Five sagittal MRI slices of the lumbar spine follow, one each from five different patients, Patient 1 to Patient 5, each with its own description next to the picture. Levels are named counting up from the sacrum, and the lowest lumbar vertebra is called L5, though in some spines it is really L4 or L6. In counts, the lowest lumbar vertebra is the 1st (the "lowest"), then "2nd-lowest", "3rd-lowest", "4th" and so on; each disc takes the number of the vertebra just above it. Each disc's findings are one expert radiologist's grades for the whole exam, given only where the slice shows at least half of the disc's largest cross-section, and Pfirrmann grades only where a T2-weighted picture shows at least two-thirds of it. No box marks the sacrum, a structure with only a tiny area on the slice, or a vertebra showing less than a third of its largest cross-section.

Patient 1 of 5:
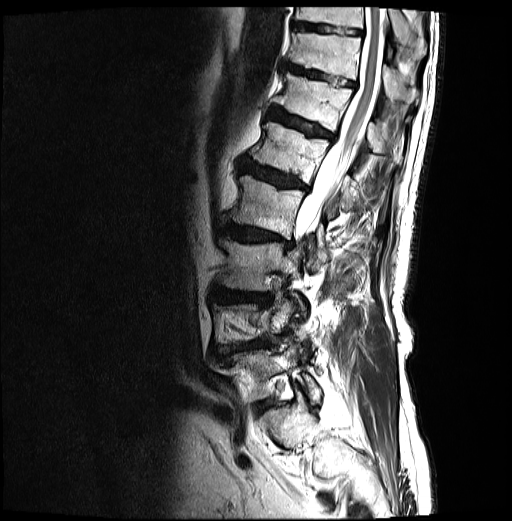

MRI lumbar spine (T2-weighted), sagittal plane
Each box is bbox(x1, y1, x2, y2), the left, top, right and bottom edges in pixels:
T10 at bbox(295, 7, 425, 57); T12 at bbox(274, 72, 400, 161); intervertebral disc T12/L1 at bbox(268, 106, 334, 140); L2 at bbox(228, 176, 329, 269); intervertebral disc L2/L3 at bbox(222, 223, 292, 249); T10/T11 at bbox(292, 21, 361, 34); intervertebral disc T11/T12 at bbox(282, 61, 355, 87); T11 at bbox(287, 31, 417, 103); L4/L5 at bbox(237, 342, 261, 350); L1 vertebra at bbox(250, 122, 352, 209); L3 at bbox(218, 238, 304, 310); L1/L2 at bbox(241, 159, 307, 189); thecal sac / spinal canal at bbox(295, 7, 388, 240); L3/L4 at bbox(221, 290, 270, 301); L5 at bbox(235, 342, 321, 404).

Degenerative findings by level:
- T11/T12: Pfirrmann grade 4, upper-endplate change, lower-endplate change, disc bulging
- T12/L1: Pfirrmann grade 4, lower-endplate change, Modic type II, disc bulging, upper-endplate change
- L2/L3: Pfirrmann grade 4, disc narrowing, lower-endplate change, Modic type I, disc bulging, upper-endplate change
- T10/T11: Pfirrmann grade 3
- L1/L2: Pfirrmann grade 4, Modic type II, lower-endplate change, disc bulging, upper-endplate change

Patient 2 of 5:
Field of view 280x280 mm | Image 384x384 | MRI lumbar spine (T2-weighted), sagittal plane 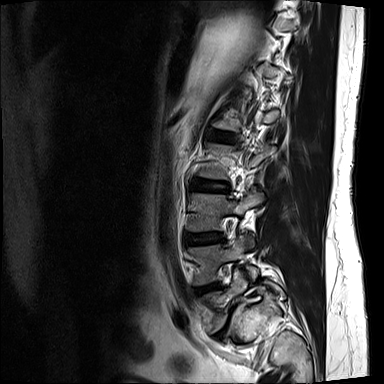 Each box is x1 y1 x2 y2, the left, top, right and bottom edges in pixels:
Annotations:
* L5/S1 — 216 306 235 337
* L4 vertebra — 189 235 258 284
* L3 vertebra — 188 189 264 231
* disc L1/L2 — 210 130 233 141
* disc L2/L3 — 192 178 228 192
* L4/L5 — 196 284 219 294
* L3/L4 — 185 233 222 244
* L5 vertebra — 204 268 281 331

Radiological gradings:
• L3/L4: disc bulging
• L2/L3: disc bulging

Patient 3 of 5:
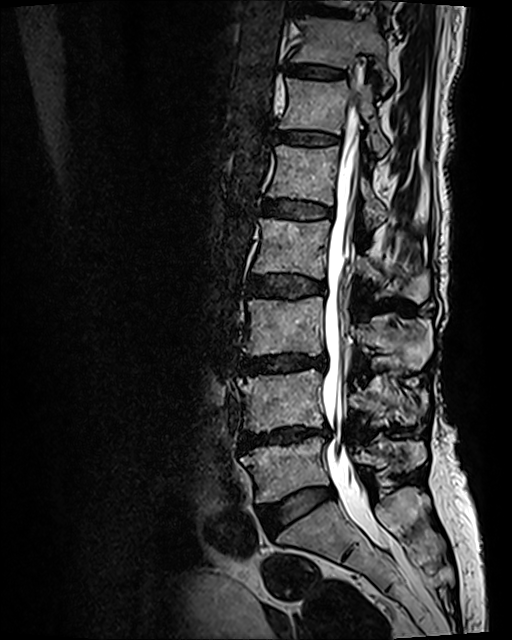
Slice 56/120; Lumbar spine MR, T2 SPACE (3D), sagittal
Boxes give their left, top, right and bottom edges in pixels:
L3 vertebra: left=242, top=296, right=431, bottom=370
spinal canal: left=322, top=110, right=388, bottom=550
L4/L5: left=241, top=426, right=329, bottom=449
intervertebral disc L1/L2: left=262, top=200, right=332, bottom=220
T11/T12: left=288, top=65, right=344, bottom=78
L3/L4: left=238, top=354, right=326, bottom=372
L5: left=241, top=437, right=425, bottom=502
T10/T11: left=302, top=4, right=348, bottom=16
intervertebral disc L5/S1: left=259, top=488, right=334, bottom=531
T11 vertebra: left=292, top=13, right=392, bottom=92
L2/L3: left=251, top=275, right=326, bottom=298
intervertebral disc T12/L1: left=276, top=131, right=338, bottom=145
L4: left=237, top=369, right=426, bottom=431
T12: left=279, top=78, right=388, bottom=157
L1: left=267, top=144, right=387, bottom=229
L2: left=253, top=218, right=429, bottom=303

Expert MSK radiologist gradings (per disc):
- L2/L3: Pfirrmann grade 3, Modic type II, upper-endplate change, disc bulging, lower-endplate change
- L5/S1: Pfirrmann grade 2, disc bulging
- T10/T11: lower-endplate change, upper-endplate change
- L4/L5: Pfirrmann grade 4, disc bulging, Modic type II, disc narrowing, lower-endplate change, upper-endplate change
- T11/T12: Pfirrmann grade 2, lower-endplate change, upper-endplate change, Modic type II
- T12/L1: Pfirrmann grade 2, Modic type II, lower-endplate change, upper-endplate change
- L3/L4: Pfirrmann grade 4, disc bulging, Modic type II, disc narrowing, lower-endplate change, upper-endplate change
- L1/L2: Pfirrmann grade 3, upper-endplate change, lower-endplate change, Modic type II

Patient 4 of 5:
Sex M. Slice 19/27. T2-weighted sagittal MRI of the lumbar spine.
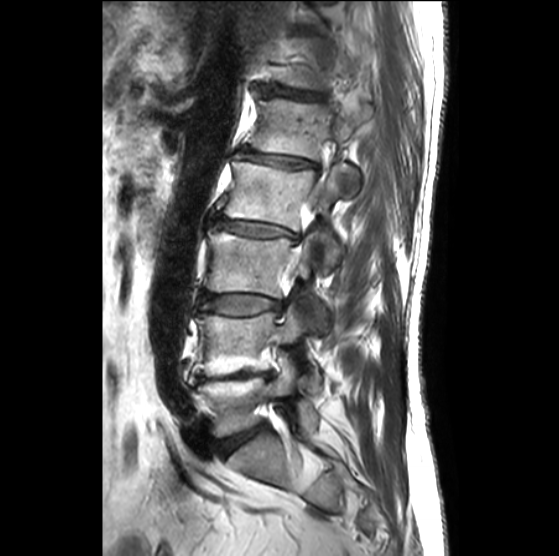

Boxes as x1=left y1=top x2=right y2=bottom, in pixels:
Annotations:
- L3/L4: x1=201 y1=293 x2=282 y2=315
- disc L1/L2: x1=238 y1=150 x2=316 y2=169
- disc L2/L3: x1=215 y1=216 x2=296 y2=238
- L5: x1=198 y1=358 x2=317 y2=437
- L4/L5: x1=197 y1=370 x2=273 y2=381
- disc L5/S1: x1=220 y1=426 x2=264 y2=454
- L4: x1=193 y1=306 x2=320 y2=390
- T12 vertebra: x1=281 y1=37 x2=360 y2=90
- L1: x1=248 y1=98 x2=372 y2=180
- L3 vertebra: x1=204 y1=227 x2=325 y2=323
- T12/L1: x1=270 y1=88 x2=322 y2=100
- L2 vertebra: x1=217 y1=160 x2=353 y2=264

Expert MSK radiologist gradings (per disc):
• L3/L4: Pfirrmann grade 2, disc bulging
• L1/L2: Pfirrmann grade 3, upper-endplate change, disc narrowing, disc bulging, Modic type III, lower-endplate change
• L4/L5: Pfirrmann grade 5, upper-endplate change, Modic type II, disc narrowing, lower-endplate change
• L2/L3: Pfirrmann grade 3, lower-endplate change, upper-endplate change, disc bulging, disc narrowing, Modic type II

Patient 5 of 5:
Image 448x455, Philips Healthcare Ingenia (3T), Lumbar spine MR, T2-weighted, sagittal

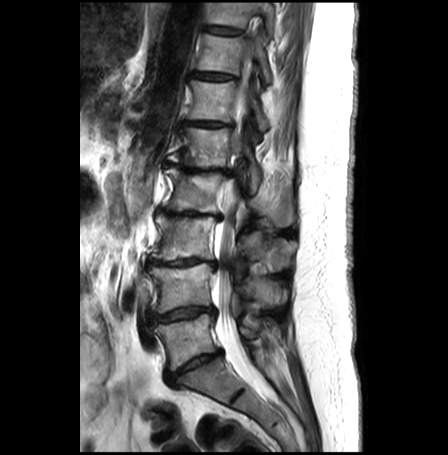

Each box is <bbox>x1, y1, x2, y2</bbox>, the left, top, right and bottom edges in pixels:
4th disc at <bbox>156, 209, 221, 220</bbox>, 7th vertebra at <bbox>196, 33, 271, 82</bbox>, 3rd-lowest vertebra at <bbox>151, 215, 296, 269</bbox>, 4th vertebra at <bbox>162, 168, 295, 226</bbox>, 3rd-lowest disc at <bbox>148, 258, 216, 266</bbox>, 2nd-lowest vertebra at <bbox>148, 263, 285, 312</bbox>, 2nd-lowest disc at <bbox>149, 305, 214, 323</bbox>, spinal canal at <bbox>211, 52, 271, 398</bbox>, lowest disc at <bbox>166, 350, 222, 384</bbox>, 7th disc at <bbox>192, 71, 234, 80</bbox>, 5th disc at <bbox>165, 163, 232, 175</bbox>, lowest vertebra at <bbox>154, 313, 256, 369</bbox>, 5th vertebra at <bbox>169, 127, 261, 192</bbox>, 8th vertebra at <bbox>207, 3, 274, 36</bbox>, 6th disc at <bbox>185, 120, 232, 127</bbox>, 6th vertebra at <bbox>187, 81, 270, 130</bbox>, 8th disc at <bbox>204, 26, 241, 35</bbox>.

Degenerative findings by level:
  3rd-lowest disc: disc bulging, Modic type II, upper-endplate change, disc narrowing, lower-endplate change
  5th disc: Modic type II, lower-endplate change, disc bulging, disc narrowing, upper-endplate change
  lowest disc: Pfirrmann grade 4, disc narrowing, disc bulging, Modic type II, upper-endplate change, lower-endplate change
  2nd-lowest disc: Pfirrmann grade 3, lower-endplate change, disc bulging, disc narrowing, Modic type II, disc herniation, upper-endplate change
  6th disc: Pfirrmann grade 4, Modic type II, upper-endplate change, lower-endplate change, disc narrowing, disc bulging
  4th disc: disc narrowing, Modic type II, disc bulging, lower-endplate change, upper-endplate change
  8th disc: Pfirrmann grade 1
  7th disc: Pfirrmann grade 2, disc bulging